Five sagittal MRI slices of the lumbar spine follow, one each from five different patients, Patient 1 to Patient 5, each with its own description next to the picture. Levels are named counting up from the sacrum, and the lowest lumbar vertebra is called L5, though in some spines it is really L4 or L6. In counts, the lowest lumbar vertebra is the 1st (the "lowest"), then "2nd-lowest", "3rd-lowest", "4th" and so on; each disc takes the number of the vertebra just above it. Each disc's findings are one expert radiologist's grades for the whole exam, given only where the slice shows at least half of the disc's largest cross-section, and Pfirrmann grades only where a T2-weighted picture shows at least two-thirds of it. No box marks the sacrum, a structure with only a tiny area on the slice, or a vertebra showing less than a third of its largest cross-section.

Patient 1 of 5:
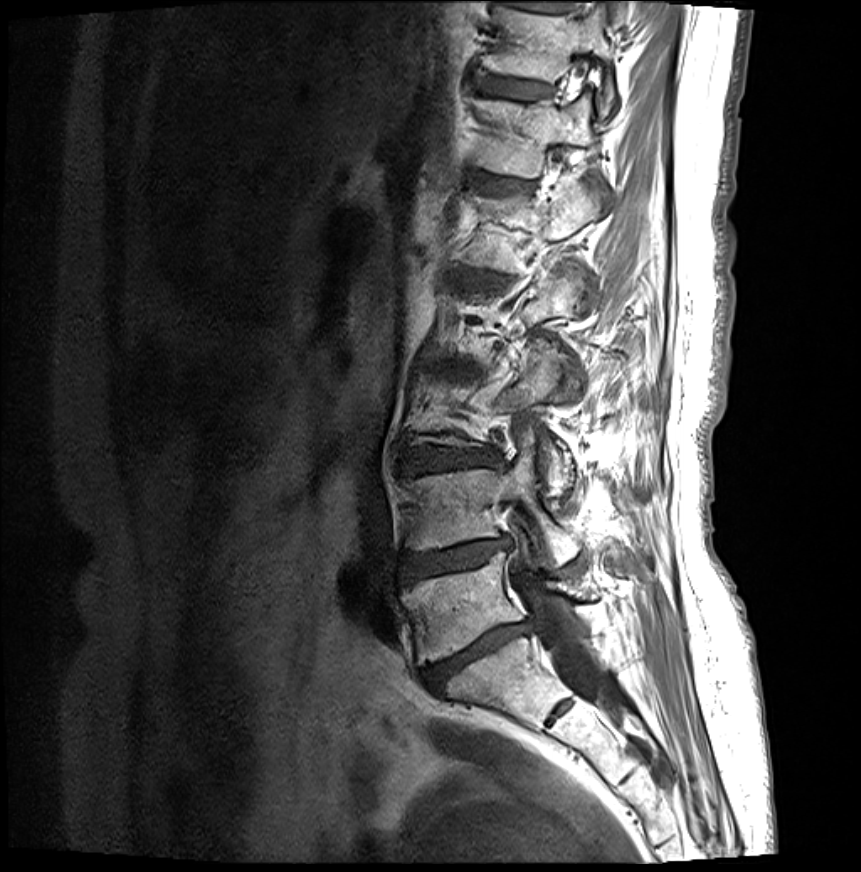 Slice 9 of 27 | MRI lumbar spine (T1-weighted), sagittal plane

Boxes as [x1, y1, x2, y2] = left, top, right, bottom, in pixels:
• L5: [402, 552, 587, 665]
• T11: [483, 7, 616, 115]
• T12/L1: [474, 175, 529, 193]
• intervertebral disc L3/L4: [404, 448, 493, 474]
• spinal canal: [511, 562, 621, 720]
• T12: [476, 94, 596, 179]
• T11/T12: [477, 76, 550, 100]
• intervertebral disc L5/S1: [422, 624, 527, 691]
• L4 vertebra: [404, 435, 581, 566]
• intervertebral disc L4/L5: [400, 538, 508, 584]

Degenerative findings by level:
• L4/L5: upper-endplate change, disc bulging, disc herniation, lower-endplate change, Modic type II, disc narrowing
• T11/T12: Modic type II, upper-endplate change, lower-endplate change
• L3/L4: upper-endplate change, disc narrowing, disc bulging, lower-endplate change, Modic type II
• L5/S1: lower-endplate change, disc bulging, Modic type II, upper-endplate change, disc narrowing

Patient 2 of 5:
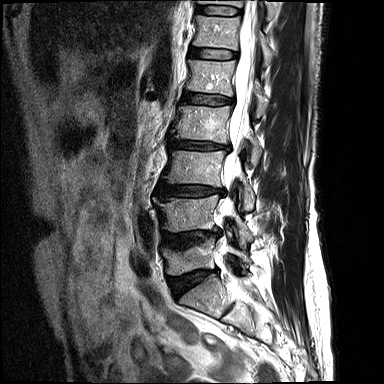 384x384 px, Sagittal T2-weighted lumbar spine MRI

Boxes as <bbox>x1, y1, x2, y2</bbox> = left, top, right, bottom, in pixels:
• 5th vertebra at <bbox>187, 60, 268, 117</bbox>
• 5th disc at <bbox>182, 91, 233, 105</bbox>
• lowest disc at <bbox>169, 268, 218, 296</bbox>
• 4th disc at <bbox>169, 140, 229, 150</bbox>
• 3rd-lowest disc at <bbox>156, 184, 224, 198</bbox>
• 7th disc at <bbox>197, 6, 239, 15</bbox>
• 6th vertebra at <bbox>194, 15, 273, 65</bbox>
• 3rd-lowest vertebra at <bbox>163, 150, 254, 210</bbox>
• 4th vertebra at <bbox>173, 105, 262, 164</bbox>
• 7th vertebra at <bbox>199, 0, 275, 19</bbox>
• 2nd-lowest vertebra at <bbox>153, 195, 252, 247</bbox>
• thecal sac / spinal canal at <bbox>218, 0, 277, 287</bbox>
• lowest vertebra at <bbox>162, 236, 251, 275</bbox>
• 2nd-lowest disc at <bbox>163, 231, 220, 247</bbox>
• 6th disc at <bbox>189, 47, 237, 59</bbox>

Per-level radiological findings:
- 7th disc: Pfirrmann grade 2
- 3rd-lowest disc: Pfirrmann grade 3, lower-endplate change, upper-endplate change, disc bulging
- 4th disc: Pfirrmann grade 3, disc bulging, disc narrowing, upper-endplate change, lower-endplate change
- 5th disc: Pfirrmann grade 3, upper-endplate change, lower-endplate change, disc bulging
- lowest disc: Pfirrmann grade 4, upper-endplate change, lower-endplate change, disc narrowing, disc bulging
- 2nd-lowest disc: Pfirrmann grade 4, upper-endplate change, disc bulging, lower-endplate change
- 6th disc: Pfirrmann grade 2, upper-endplate change, lower-endplate change

Patient 3 of 5:
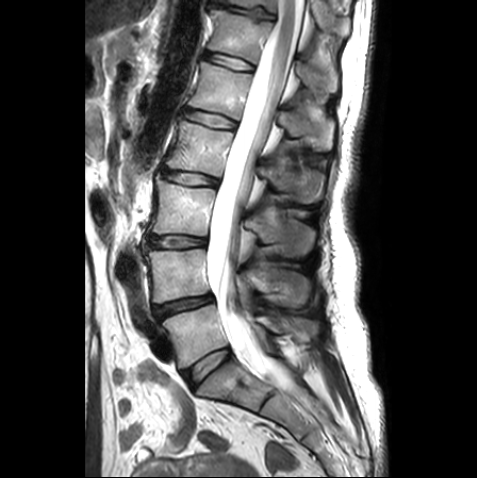 MRI lumbar spine (T2-weighted), sagittal plane; Slice 14 of 25; Sex F; 477x478 px

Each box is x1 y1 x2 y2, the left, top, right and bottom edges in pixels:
2nd-lowest vertebra at 147 249 310 305, 5th vertebra at 188 62 333 149, lowest disc at 182 348 230 388, lowest vertebra at 162 304 317 368, 4th disc at 162 168 217 186, 3rd-lowest disc at 149 236 206 247, 4th vertebra at 165 119 323 203, 2nd-lowest disc at 153 294 213 318, 3rd-lowest vertebra at 150 175 315 255, 6th disc at 204 52 252 69, 6th vertebra at 209 9 338 92, 5th disc at 185 108 236 128, spinal canal at 207 0 303 388, 7th disc at 211 0 274 19, 7th vertebra at 220 0 347 34.

Per-level radiological findings:
- 5th disc: Pfirrmann grade 1, upper-endplate change, lower-endplate change
- 3rd-lowest disc: Pfirrmann grade 2, disc bulging, disc narrowing
- 7th disc: Pfirrmann grade 1, upper-endplate change, disc narrowing, lower-endplate change
- 6th disc: Pfirrmann grade 1, lower-endplate change, upper-endplate change
- lowest disc: Pfirrmann grade 1
- 4th disc: Pfirrmann grade 2, upper-endplate change, lower-endplate change, disc bulging
- 2nd-lowest disc: Pfirrmann grade 3, upper-endplate change, lower-endplate change, disc narrowing, disc bulging

Patient 4 of 5:
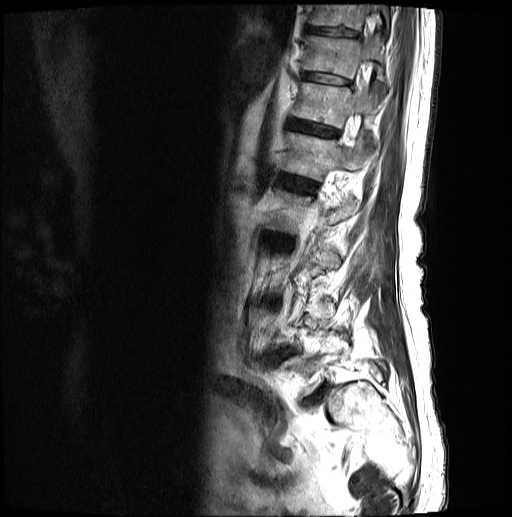
T2-weighted sagittal MRI of the lumbar spine. Field of view 300x303 mm, slice spacing 3.3 mm. 512x517 px.

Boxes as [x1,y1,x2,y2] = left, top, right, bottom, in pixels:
7th disc — [303,71,350,84].
4th disc — [264,233,292,242].
8th disc — [306,25,357,37].
Lowest disc — [302,385,326,410].
Lowest vertebra — [279,337,386,394].
5th disc — [279,173,315,192].
8th vertebra — [309,4,390,32].
6th vertebra — [292,82,383,127].
5th vertebra — [282,132,371,180].
6th disc — [288,119,338,137].
7th vertebra — [305,34,386,78].
2nd-lowest disc — [271,349,292,363].

Radiological gradings:
  8th disc: Pfirrmann grade 3
  6th disc: Pfirrmann grade 3
  5th disc: Pfirrmann grade 3
  7th disc: Pfirrmann grade 3

Patient 5 of 5:
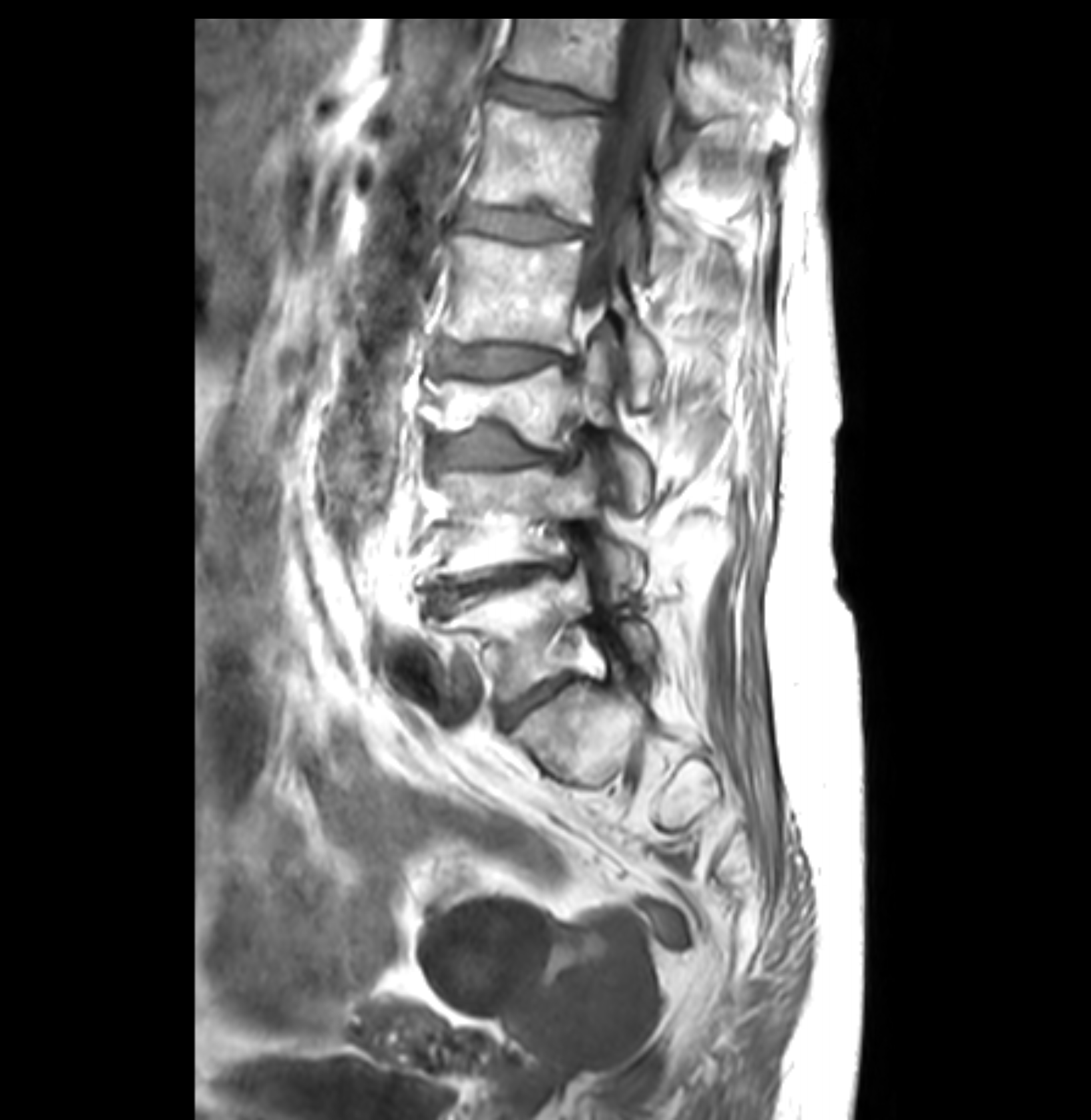 MRI lumbar spine (T1-weighted), sagittal plane; Sagittal slice index 22; Field of view 280x287 mm, slice spacing 3.4 mm
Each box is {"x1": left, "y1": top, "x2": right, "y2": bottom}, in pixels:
{"L5/S1 (lowest disc)": {"x1": 499, "y1": 678, "x2": 567, "y2": 723}, "L4 (2nd-lowest vertebra)": {"x1": 426, "y1": 451, "x2": 645, "y2": 599}, "L2 (4th vertebra)": {"x1": 446, "y1": 236, "x2": 664, "y2": 401}, "T12/L1 (6th disc)": {"x1": 487, "y1": 73, "x2": 611, "y2": 116}, "intervertebral disc L1/L2 (5th disc)": {"x1": 463, "y1": 205, "x2": 596, "y2": 240}, "T12 (6th vertebra)": {"x1": 501, "y1": 18, "x2": 796, "y2": 151}, "intervertebral disc L2/L3 (4th disc)": {"x1": 429, "y1": 343, "x2": 577, "y2": 378}, "L3/L4 (3rd-lowest disc)": {"x1": 429, "y1": 423, "x2": 570, "y2": 467}, "L1 (5th vertebra)": {"x1": 470, "y1": 100, "x2": 686, "y2": 274}, "thecal sac / spinal canal": {"x1": 580, "y1": 18, "x2": 676, "y2": 310}, "L3 (3rd-lowest vertebra)": {"x1": 421, "y1": 341, "x2": 650, "y2": 509}, "intervertebral disc L4/L5 (2nd-lowest disc)": {"x1": 429, "y1": 566, "x2": 548, "y2": 611}, "L5 (lowest vertebra)": {"x1": 431, "y1": 564, "x2": 657, "y2": 701}}

Per-level radiological findings:
  L2/L3 (4th disc): disc bulging, Modic type II
  L1/L2 (5th disc): upper-endplate change, lower-endplate change
  T12/L1 (6th disc): disc bulging, upper-endplate change
  L3/L4 (3rd-lowest disc): disc bulging, upper-endplate change, disc narrowing, Modic type II